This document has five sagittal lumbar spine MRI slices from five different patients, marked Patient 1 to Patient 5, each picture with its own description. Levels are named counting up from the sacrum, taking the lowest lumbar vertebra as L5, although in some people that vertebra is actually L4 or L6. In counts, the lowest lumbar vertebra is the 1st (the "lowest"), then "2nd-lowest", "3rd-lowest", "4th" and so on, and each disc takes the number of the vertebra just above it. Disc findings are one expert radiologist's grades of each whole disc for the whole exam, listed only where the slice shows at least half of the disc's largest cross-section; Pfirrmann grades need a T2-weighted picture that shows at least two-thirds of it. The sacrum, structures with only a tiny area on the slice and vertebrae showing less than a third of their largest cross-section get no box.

Patient 1 of 5:
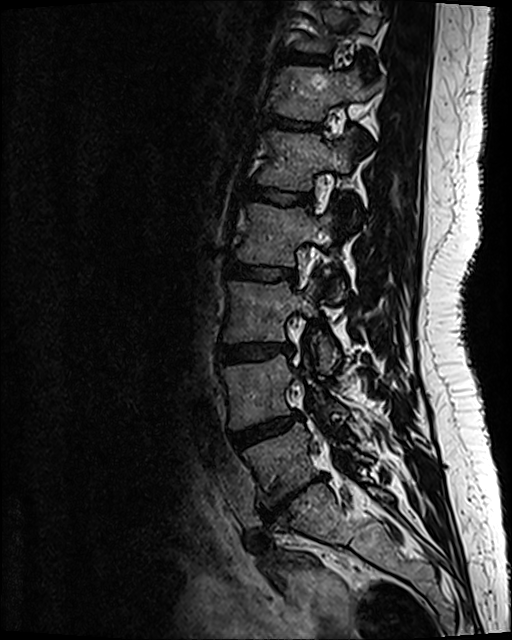
Slice 76/120 | Lumbar spine MR, T2 SPACE (3D), sagittal | Field of view 240x300 mm, slice spacing 0.9 mm
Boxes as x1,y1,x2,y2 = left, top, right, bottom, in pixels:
Segmented structures:
- lowest disc — 262,475,324,519
- 2nd-lowest vertebra — 223,355,344,426
- 7th disc — 282,51,326,62
- 3rd-lowest vertebra — 224,282,337,370
- 3rd-lowest disc — 218,344,292,363
- 5th vertebra — 257,132,353,189
- 2nd-lowest disc — 229,412,299,447
- 4th disc — 229,260,296,281
- 6th vertebra — 276,66,381,119
- 5th disc — 243,184,312,206
- lowest vertebra — 244,424,371,505
- 6th disc — 265,114,318,129
- 4th vertebra — 237,204,342,299

Per-level radiological findings:
- 5th disc: Pfirrmann grade 2
- 6th disc: Pfirrmann grade 2
- 4th disc: Pfirrmann grade 2
- 3rd-lowest disc: Pfirrmann grade 2, disc bulging
- 2nd-lowest disc: Pfirrmann grade 3, disc bulging
- 7th disc: no herniation, bulging, narrowing, spondylolisthesis, endplate or Modic change recorded

Patient 2 of 5:
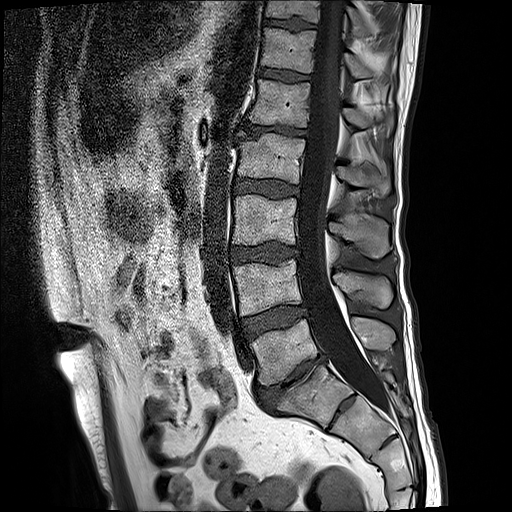
Image 512x512; Lumbar spine MR, T1-weighted, sagittal

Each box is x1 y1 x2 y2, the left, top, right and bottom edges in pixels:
Segmented structures:
• L2 (4th vertebra): 236 134 390 198
• T12 (6th vertebra): 260 28 373 77
• thecal sac / spinal canal: 298 0 388 411
• L3/L4 (3rd-lowest disc): 230 246 299 264
• L3 (3rd-lowest vertebra): 232 195 390 259
• L1 (5th vertebra): 247 80 393 137
• L5/S1 (lowest disc): 256 354 325 408
• T12/L1 (6th disc): 258 66 309 81
• disc T11/T12 (7th disc): 265 18 314 30
• disc L2/L3 (4th disc): 234 178 299 197
• L4 (2nd-lowest vertebra): 234 259 392 316
• disc L4/L5 (2nd-lowest disc): 243 306 305 340
• L1/L2 (5th disc): 237 123 306 140
• T11 (7th vertebra): 266 0 370 37
• L5 (lowest vertebra): 251 317 395 385

Per-level radiological findings:
- L1/L2 (5th disc): lower-endplate change, disc bulging, disc narrowing, upper-endplate change, Modic type II
- L4/L5 (2nd-lowest disc): Modic type II
- L3/L4 (3rd-lowest disc): upper-endplate change, lower-endplate change, disc bulging
- L5/S1 (lowest disc): disc bulging, Modic type II, lower-endplate change, upper-endplate change, disc narrowing
- T11/T12 (7th disc): upper-endplate change, lower-endplate change
- T12/L1 (6th disc), L2/L3 (4th disc): no herniation, bulging, narrowing, spondylolisthesis, endplate or Modic change recorded

Patient 3 of 5:
MRI lumbar spine (T2-weighted), sagittal plane. 512x512 px. SIEMENS Avanto_fit (1.5T). Field of view 300x300 mm. Slice 10/17. 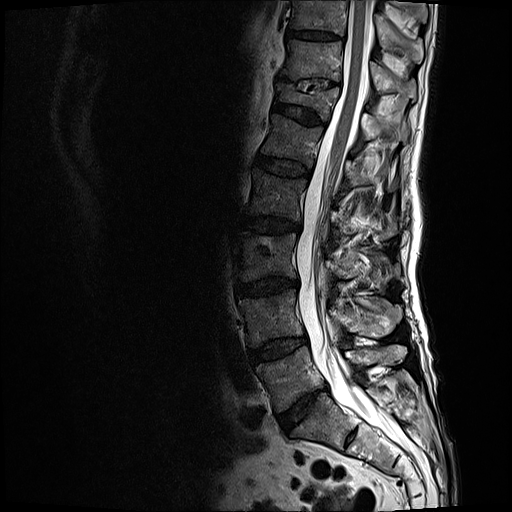 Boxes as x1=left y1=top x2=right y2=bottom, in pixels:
L1 (5th vertebra) at x1=262 y1=112 x2=365 y2=186, L5 (lowest vertebra) at x1=257 y1=345 x2=406 y2=410, intervertebral disc L3/L4 (3rd-lowest disc) at x1=236 y1=277 x2=297 y2=294, T10 (8th vertebra) at x1=293 y1=0 x2=424 y2=62, T12 (6th vertebra) at x1=276 y1=83 x2=409 y2=139, L2 (4th vertebra) at x1=247 y1=168 x2=395 y2=238, thecal sac / spinal canal at x1=295 y1=0 x2=401 y2=443, intervertebral disc T12/L1 (6th disc) at x1=274 y1=99 x2=325 y2=123, T11 (7th vertebra) at x1=281 y1=39 x2=417 y2=100, L4/L5 (2nd-lowest disc) at x1=250 y1=337 x2=306 y2=363, L4 (2nd-lowest vertebra) at x1=239 y1=288 x2=402 y2=346, intervertebral disc L2/L3 (4th disc) at x1=239 y1=215 x2=301 y2=233, T11/T12 (7th disc) at x1=298 y1=79 x2=332 y2=90, intervertebral disc T10/T11 (8th disc) at x1=288 y1=29 x2=338 y2=38, L5/S1 (lowest disc) at x1=278 y1=391 x2=318 y2=434, L1/L2 (5th disc) at x1=255 y1=154 x2=309 y2=174, L3 (3rd-lowest vertebra) at x1=235 y1=231 x2=392 y2=281.

Expert MSK radiologist gradings (per disc):
• L5/S1 (lowest disc): Pfirrmann grade 4, disc narrowing, disc bulging
• T11/T12 (7th disc): Pfirrmann grade 5, disc narrowing, lower-endplate change, upper-endplate change
• L3/L4 (3rd-lowest disc): Pfirrmann grade 4, disc bulging, Modic type II, disc narrowing
• T10/T11 (8th disc): Pfirrmann grade 3
• L1/L2 (5th disc): Pfirrmann grade 3
• L2/L3 (4th disc): Pfirrmann grade 3, Modic type II, disc bulging
• L4/L5 (2nd-lowest disc): Pfirrmann grade 3, disc bulging, Modic type II
• T12/L1 (6th disc): Pfirrmann grade 3, upper-endplate change, lower-endplate change

Patient 4 of 5:
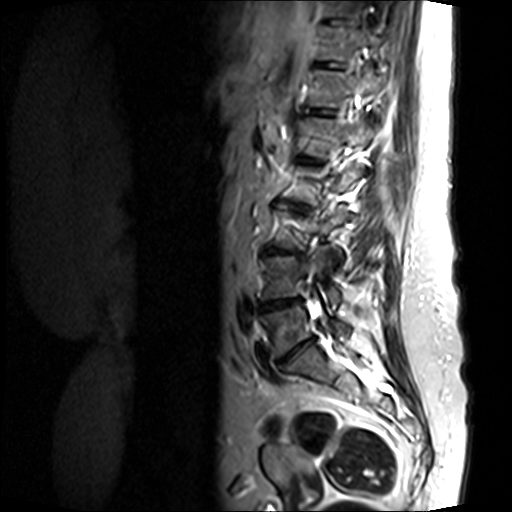 Sagittal T2-weighted lumbar spine MRI; Sagittal slice index 9; Image 512x512

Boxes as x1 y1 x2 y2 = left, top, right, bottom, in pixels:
Structures:
• T11 vertebra = 317 25 381 61
• T12 vertebra = 308 69 380 107
• L4/L5 = 259 298 303 311
• L4 vertebra = 261 256 339 301
• disc L3/L4 = 263 246 304 257
• T12/L1 = 306 107 337 117
• disc L5/S1 = 278 337 315 364
• L2/L3 = 290 204 307 209
• L1 = 304 117 372 158
• disc L1/L2 = 298 156 323 165
• spinal canal = 307 88 385 381
• disc T11/T12 = 315 61 346 70
• L5 = 259 304 350 357

Per-level radiological findings:
  T11/T12: Pfirrmann grade 2
  L4/L5: Pfirrmann grade 4, lower-endplate change, Modic type II, upper-endplate change, disc narrowing, disc bulging
  L5/S1: lower-endplate change, upper-endplate change, disc bulging, Modic type II, disc narrowing
  L3/L4: disc narrowing, disc bulging, lower-endplate change, upper-endplate change, Modic type II
  T12/L1: Pfirrmann grade 3

Patient 5 of 5:
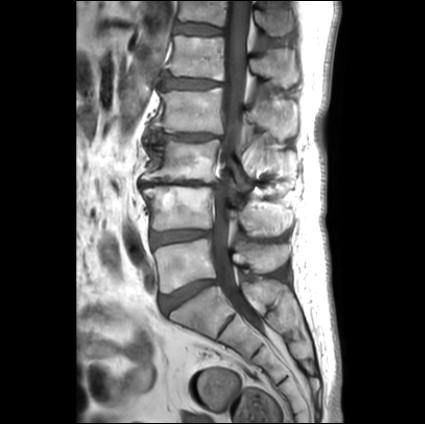

Lumbar spine MR, T1-weighted, sagittal. Slice 15/27.

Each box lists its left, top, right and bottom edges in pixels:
{"2nd-lowest vertebra": "left=142, top=185, right=292, bottom=236", "lowest vertebra": "left=154, top=239, right=289, bottom=293", "3rd-lowest vertebra": "left=143, top=140, right=295, bottom=190", "6th vertebra": "left=179, top=1, right=291, bottom=35", "6th disc": "left=176, top=23, right=221, bottom=35", "4th vertebra": "left=151, top=88, right=297, bottom=139", "5th disc": "left=161, top=70, right=221, bottom=89", "lowest disc": "left=160, top=280, right=214, bottom=313", "5th vertebra": "left=167, top=35, right=300, bottom=87", "3rd-lowest disc": "left=140, top=181, right=217, bottom=188", "2nd-lowest disc": "left=150, top=230, right=209, bottom=247", "thecal sac / spinal canal": "left=212, top=1, right=248, bottom=304", "4th disc": "left=146, top=131, right=219, bottom=141"}

Expert MSK radiologist gradings (per disc):
• lowest disc: disc bulging
• 5th disc: disc bulging, upper-endplate change, lower-endplate change
• 3rd-lowest disc: disc narrowing, upper-endplate change, lower-endplate change, disc bulging, Modic type II
• 2nd-lowest disc: disc bulging
• 4th disc: upper-endplate change, disc narrowing, disc bulging, lower-endplate change
• 6th disc: no spondylolisthesis, narrowing, bulging, herniation, Modic or endplate change recorded